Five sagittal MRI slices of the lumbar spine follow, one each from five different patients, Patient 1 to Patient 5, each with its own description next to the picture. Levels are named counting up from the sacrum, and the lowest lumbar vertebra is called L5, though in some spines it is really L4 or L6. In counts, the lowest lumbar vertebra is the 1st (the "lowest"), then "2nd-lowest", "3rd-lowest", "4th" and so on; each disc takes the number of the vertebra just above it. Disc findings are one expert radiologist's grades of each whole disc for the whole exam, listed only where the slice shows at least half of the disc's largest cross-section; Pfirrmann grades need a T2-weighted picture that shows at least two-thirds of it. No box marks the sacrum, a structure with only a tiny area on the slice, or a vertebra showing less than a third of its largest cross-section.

Patient 1 of 5:
Sagittal T2 SPACE (3D) lumbar spine MRI | 512x640 px | Slice 55 of 120

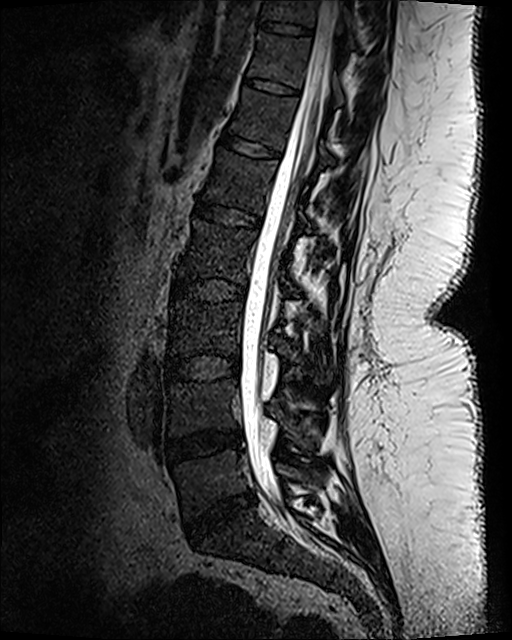

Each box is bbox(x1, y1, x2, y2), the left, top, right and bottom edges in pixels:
• L4 (2nd-lowest vertebra): bbox(169, 380, 318, 448)
• T11 (7th vertebra): bbox(248, 33, 344, 105)
• L4/L5 (2nd-lowest disc): bbox(166, 431, 240, 463)
• T12/L1 (6th disc): bbox(219, 131, 281, 160)
• thecal sac / spinal canal: bbox(239, 1, 339, 497)
• intervertebral disc T11/T12 (7th disc): bbox(244, 77, 299, 96)
• T10/T11 (8th disc): bbox(259, 21, 313, 36)
• L2 (4th vertebra): bbox(178, 220, 299, 296)
• T12 (6th vertebra): bbox(229, 88, 332, 165)
• L1 (5th vertebra): bbox(205, 149, 311, 229)
• intervertebral disc L2/L3 (4th disc): bbox(171, 277, 246, 301)
• L5 (lowest vertebra): bbox(174, 450, 325, 519)
• L5/S1 (lowest disc): bbox(186, 494, 254, 543)
• L1/L2 (5th disc): bbox(190, 202, 261, 229)
• L3 (3rd-lowest vertebra): bbox(169, 301, 333, 385)
• T10 (8th vertebra): bbox(260, 0, 353, 37)
• L3/L4 (3rd-lowest disc): bbox(165, 354, 239, 381)

Per-level radiological findings:
  L4/L5 (2nd-lowest disc): Pfirrmann grade 3, disc bulging, disc narrowing
  L3/L4 (3rd-lowest disc): Pfirrmann grade 1
  L1/L2 (5th disc): Pfirrmann grade 1
  T10/T11 (8th disc): Pfirrmann grade 1
  L5/S1 (lowest disc): Pfirrmann grade 4, disc bulging, disc narrowing
  L2/L3 (4th disc): Pfirrmann grade 1
  T11/T12 (7th disc): Pfirrmann grade 1
  T12/L1 (6th disc): Pfirrmann grade 1

Patient 2 of 5:
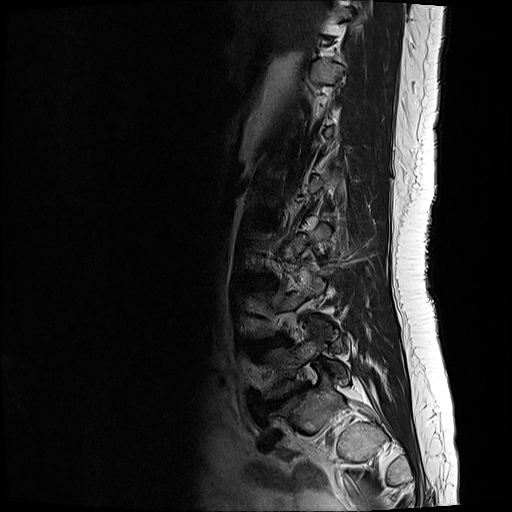 512x512 px | T2-weighted sagittal MRI of the lumbar spine | Slice 17/17

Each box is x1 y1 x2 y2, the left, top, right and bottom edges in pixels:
2nd-lowest disc = 255 338 279 349 | lowest disc = 270 386 303 406

Patient 3 of 5:
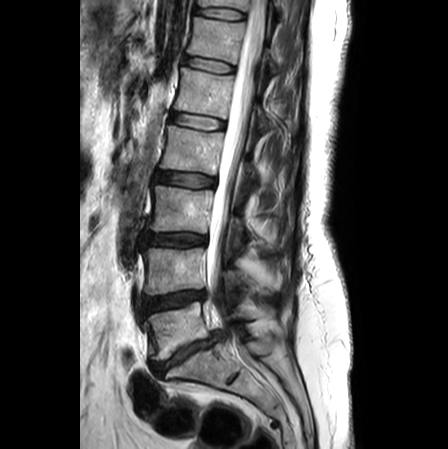
Sex F; Sagittal T2-weighted lumbar spine MRI

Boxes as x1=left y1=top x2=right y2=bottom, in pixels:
Segmented structures:
* L4 (2nd-lowest vertebra): x1=143 y1=248 x2=275 y2=295
* T11/T12 (7th disc): x1=194 y1=7 x2=245 y2=19
* IVD L5/S1 (lowest disc): x1=151 y1=332 x2=222 y2=375
* L2 (4th vertebra): x1=160 y1=126 x2=256 y2=178
* L5 (lowest vertebra): x1=145 y1=301 x2=275 y2=360
* L3/L4 (3rd-lowest disc): x1=144 y1=233 x2=205 y2=246
* L3 (3rd-lowest vertebra): x1=147 y1=185 x2=273 y2=248
* IVD L4/L5 (2nd-lowest disc): x1=145 y1=291 x2=205 y2=313
* IVD T12/L1 (6th disc): x1=185 y1=56 x2=234 y2=72
* L1/L2 (5th disc): x1=171 y1=113 x2=224 y2=129
* T11 (7th vertebra): x1=198 y1=0 x2=281 y2=10
* IVD L2/L3 (4th disc): x1=155 y1=172 x2=215 y2=186
* L1 (5th vertebra): x1=174 y1=68 x2=270 y2=126
* T12 (6th vertebra): x1=187 y1=17 x2=279 y2=73
* spinal canal: x1=206 y1=0 x2=266 y2=349

Expert MSK radiologist gradings (per disc):
  L2/L3 (4th disc): Pfirrmann grade 2, disc bulging
  T11/T12 (7th disc): Pfirrmann grade 1
  L1/L2 (5th disc): Pfirrmann grade 1
  T12/L1 (6th disc): Pfirrmann grade 1
  L4/L5 (2nd-lowest disc): Pfirrmann grade 4, disc narrowing, disc bulging
  L3/L4 (3rd-lowest disc): Pfirrmann grade 3, disc bulging
  L5/S1 (lowest disc): Pfirrmann grade 5, upper-endplate change, lower-endplate change, disc herniation, disc narrowing, Modic type II

Patient 4 of 5:
Image 448x448 | T1-weighted sagittal MRI of the lumbar spine | Sagittal slice index 6 | Field of view 280x280 mm 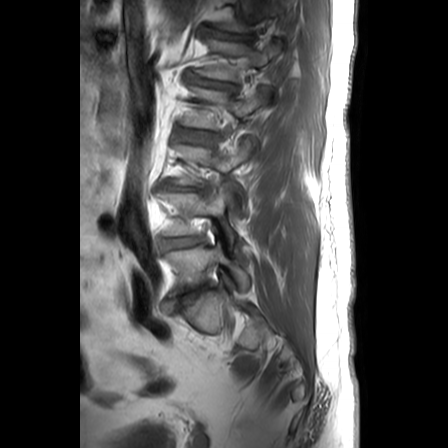

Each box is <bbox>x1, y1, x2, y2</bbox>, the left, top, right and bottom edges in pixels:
{"5th disc": "<bbox>185, 74, 237, 91</bbox>", "lowest vertebra": "<bbox>164, 242, 248, 293</bbox>", "2nd-lowest disc": "<bbox>162, 237, 202, 248</bbox>", "3rd-lowest vertebra": "<bbox>174, 139, 251, 183</bbox>", "4th vertebra": "<bbox>181, 88, 266, 128</bbox>", "5th vertebra": "<bbox>195, 40, 280, 80</bbox>", "4th disc": "<bbox>180, 130, 214, 143</bbox>", "lowest disc": "<bbox>163, 283, 211, 313</bbox>", "6th vertebra": "<bbox>218, 0, 286, 31</bbox>", "2nd-lowest vertebra": "<bbox>158, 187, 235, 244</bbox>", "6th disc": "<bbox>213, 32, 252, 40</bbox>", "3rd-lowest disc": "<bbox>163, 184, 204, 192</bbox>"}

Degenerative findings by level:
- 6th disc: disc narrowing, disc bulging
- lowest disc: disc narrowing, disc bulging
- 5th disc: disc narrowing, disc bulging
- 4th disc: no herniation, bulging, narrowing, spondylolisthesis, endplate or Modic change recorded

Patient 5 of 5:
Philips Medical Systems Ingenia (1.5T). T2-weighted sagittal MRI of the lumbar spine. Slice spacing 4.4 mm.
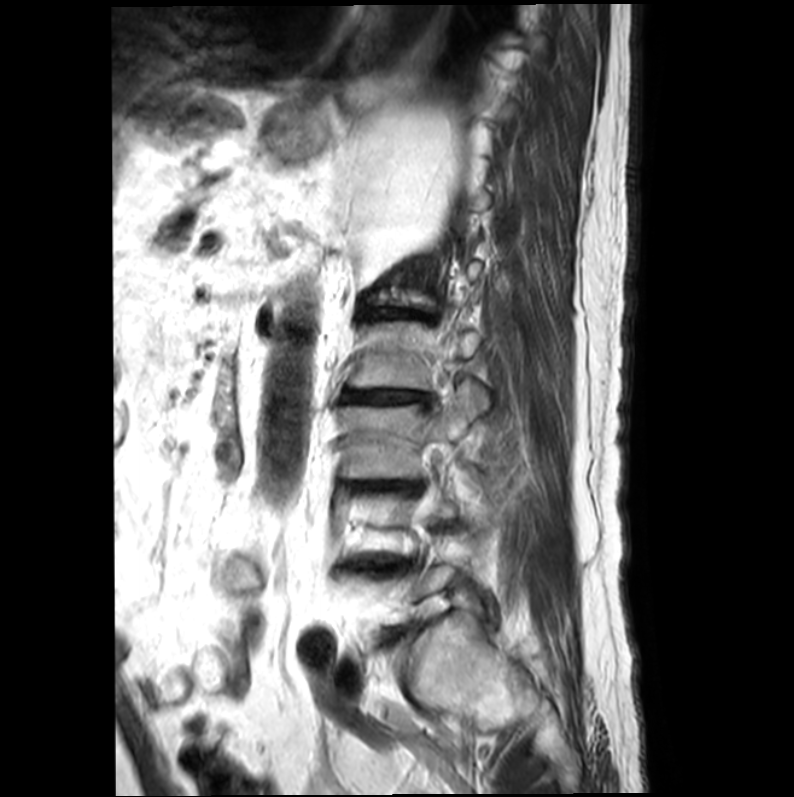 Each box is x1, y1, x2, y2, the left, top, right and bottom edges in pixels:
L3 vertebra = 339, 381, 489, 477 | IVD L2/L3 = 340, 390, 430, 405 | L1/L2 = 362, 308, 427, 318 | L3/L4 = 345, 481, 423, 493 | IVD L4/L5 = 363, 562, 413, 573 | L2 = 348, 320, 483, 389

Radiological gradings:
  L2/L3: Pfirrmann grade 5, lower-endplate change, disc bulging, Modic type II, disc narrowing, upper-endplate change
  L3/L4: disc narrowing, lower-endplate change, disc bulging, Modic type II, upper-endplate change